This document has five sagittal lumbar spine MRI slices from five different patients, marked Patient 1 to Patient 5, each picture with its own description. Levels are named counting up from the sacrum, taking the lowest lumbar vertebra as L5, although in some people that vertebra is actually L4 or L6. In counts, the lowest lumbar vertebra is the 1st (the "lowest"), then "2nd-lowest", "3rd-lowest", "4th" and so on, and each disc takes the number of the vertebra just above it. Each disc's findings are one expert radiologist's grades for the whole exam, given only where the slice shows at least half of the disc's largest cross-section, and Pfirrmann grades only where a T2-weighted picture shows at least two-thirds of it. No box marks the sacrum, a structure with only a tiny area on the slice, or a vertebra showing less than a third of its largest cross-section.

Patient 1 of 5:
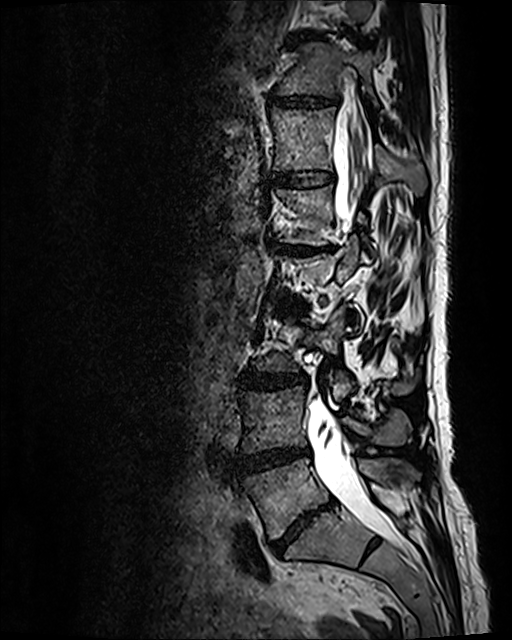

Sex F; Slice spacing 0.9 mm; MRI lumbar spine (T2 SPACE (3D)), sagittal plane
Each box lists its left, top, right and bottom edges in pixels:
L2/L3 at left=283, top=301, right=303, bottom=310; T11 at left=277, top=43, right=381, bottom=105; L5/S1 at left=271, top=503, right=331, bottom=552; L4/L5 at left=235, top=450, right=309, bottom=474; L4 vertebra at left=239, top=387, right=409, bottom=453; intervertebral disc T12/L1 at left=272, top=170, right=333, bottom=189; spinal canal at left=308, top=69, right=407, bottom=554; T11/T12 at left=268, top=93, right=339, bottom=111; L5 at left=242, top=459, right=415, bottom=539; L1 vertebra at left=276, top=185, right=372, bottom=255; T12 at left=271, top=108, right=426, bottom=195; L3/L4 at left=239, top=370, right=305, bottom=388; intervertebral disc L1/L2 at left=275, top=243, right=333, bottom=253; L3 at left=254, top=310, right=418, bottom=398.

Per-level radiological findings:
  T12/L1: Pfirrmann grade 2
  L3/L4: disc bulging
  L4/L5: Pfirrmann grade 4, Modic type II, disc bulging, disc narrowing
  T11/T12: Pfirrmann grade 3, disc bulging, disc narrowing
  L1/L2: upper-endplate change, disc narrowing, Modic type II, disc bulging, lower-endplate change
  L5/S1: Pfirrmann grade 5, Modic type II, upper-endplate change, disc bulging, lower-endplate change, disc narrowing

Patient 2 of 5:
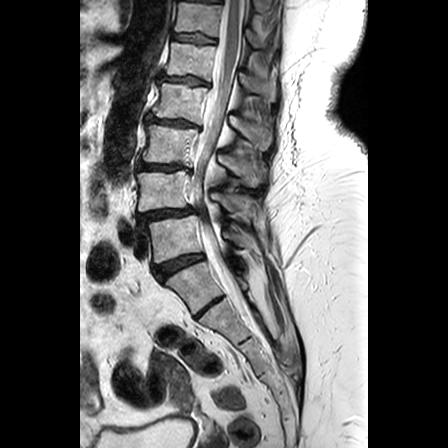 Lumbar spine MR, T2-weighted, sagittal. Patient sex: F. 448x448 px.
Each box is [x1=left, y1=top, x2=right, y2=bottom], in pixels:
Annotations:
* L2 = [x1=152, y1=81, x2=272, y2=149]
* T12 = [x1=175, y1=2, x2=262, y2=47]
* L4/L5 = [x1=137, y1=207, x2=193, y2=222]
* spinal canal = [x1=189, y1=0, x2=245, y2=308]
* L4 = [x1=136, y1=170, x2=260, y2=221]
* disc L3/L4 = [x1=138, y1=162, x2=192, y2=172]
* T12/L1 = [x1=172, y1=33, x2=217, y2=43]
* L3 = [x1=142, y1=124, x2=266, y2=186]
* disc L5/S1 = [x1=152, y1=253, x2=204, y2=278]
* L1 vertebra = [x1=165, y1=41, x2=276, y2=101]
* L2/L3 = [x1=146, y1=114, x2=202, y2=129]
* L5 = [x1=147, y1=214, x2=251, y2=263]
* disc L1/L2 = [x1=159, y1=74, x2=210, y2=87]

Expert MSK radiologist gradings (per disc):
  T12/L1: Pfirrmann grade 3, Modic type II, lower-endplate change, upper-endplate change
  L4/L5: Pfirrmann grade 4, spondylolisthesis, disc bulging, disc narrowing
  L1/L2: Pfirrmann grade 3, upper-endplate change, disc bulging, lower-endplate change, Modic type II, disc narrowing
  L3/L4: Pfirrmann grade 3, disc narrowing, Modic type II, disc bulging, upper-endplate change, lower-endplate change
  L5/S1: Pfirrmann grade 4, disc bulging
  L2/L3: Pfirrmann grade 3, upper-endplate change, disc bulging, Modic type II, disc narrowing, lower-endplate change

Patient 3 of 5:
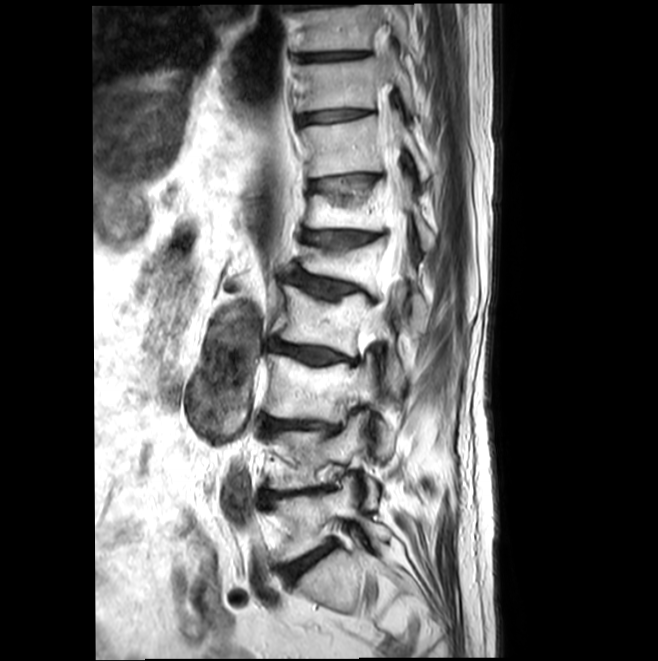 Lumbar spine MR, T2-weighted, sagittal; Slice 8/22; Sex M
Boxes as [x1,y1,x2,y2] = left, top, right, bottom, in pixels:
T11 vertebra at [301,116,430,180], T12 at [306,177,435,251], L5/S1 at [279,543,334,583], L4 vertebra at [267,412,377,507], T11/T12 at [309,175,376,196], L1 at [301,237,427,317], L2 vertebra at [279,286,403,395], thecal sac / spinal canal at [371,83,405,330], intervertebral disc L4/L5 at [260,490,316,502], intervertebral disc T12/L1 at [302,231,376,246], L2/L3 at [268,338,355,364], L3/L4 at [263,418,333,432], L3 at [265,353,390,454], T9/T10 at [297,52,365,62], L5 at [272,476,390,561], T10 vertebra at [298,57,415,115], T9 at [295,5,409,52], intervertebral disc L1/L2 at [287,272,381,304], intervertebral disc T10/T11 at [297,110,367,123].

Expert MSK radiologist gradings (per disc):
  T12/L1: Pfirrmann grade 3, Modic type II, disc narrowing, upper-endplate change
  T10/T11: Pfirrmann grade 1
  L2/L3: Pfirrmann grade 3, Modic type II, disc bulging, upper-endplate change, disc narrowing
  T11/T12: Pfirrmann grade 2, Modic type II, upper-endplate change
  L3/L4: upper-endplate change, disc bulging, lower-endplate change, Modic type II, disc narrowing
  L1/L2: Pfirrmann grade 3, Modic type II, upper-endplate change, disc bulging, disc narrowing, spondylolisthesis
  L5/S1: disc narrowing, Modic type II, disc bulging
  T9/T10: Pfirrmann grade 1

Patient 4 of 5:
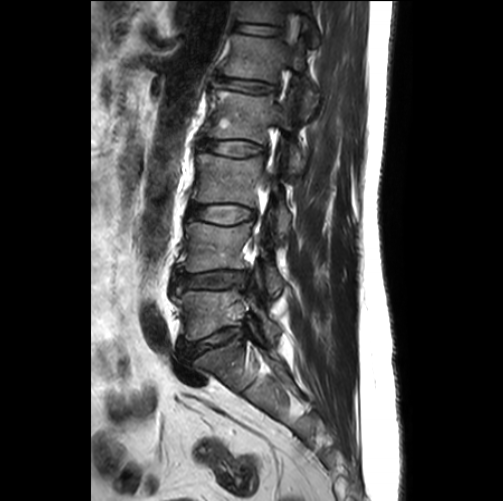 Lumbar spine MR, T2-weighted, sagittal

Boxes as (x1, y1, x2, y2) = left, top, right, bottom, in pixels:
disc L4/L5 at (171, 270, 247, 293) | L4 vertebra at (177, 222, 282, 296) | T12/L1 at (234, 22, 281, 35) | L3 at (192, 150, 290, 232) | disc L2/L3 at (199, 139, 265, 156) | disc L3/L4 at (188, 204, 254, 223) | T12 vertebra at (238, 1, 318, 45) | L5 vertebra at (172, 270, 280, 340) | L2 at (205, 90, 303, 174) | L1 at (222, 34, 321, 120) | L5/S1 at (176, 328, 245, 363) | disc L1/L2 at (218, 77, 274, 93)

Per-level radiological findings:
• L2/L3: Pfirrmann grade 2
• L4/L5: Pfirrmann grade 3, disc bulging, Modic type II, upper-endplate change, disc narrowing, lower-endplate change
• L1/L2: Pfirrmann grade 2
• L5/S1: Pfirrmann grade 3, disc narrowing, disc bulging
• L3/L4: Pfirrmann grade 2
• T12/L1: Pfirrmann grade 1

Patient 5 of 5:
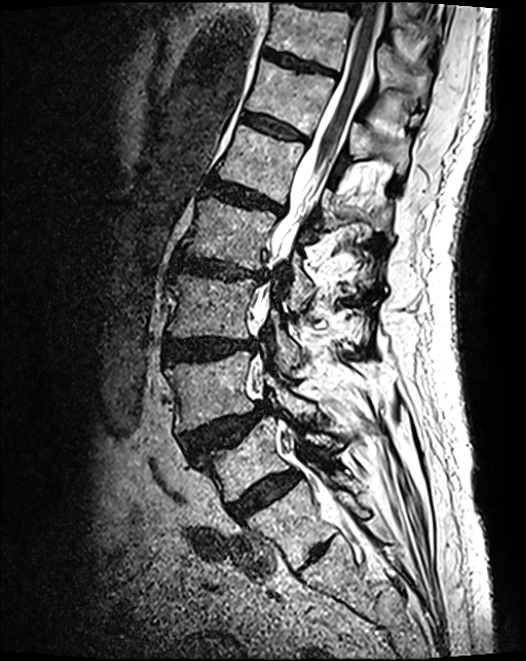

Sagittal T2 SPACE (3D) lumbar spine MRI

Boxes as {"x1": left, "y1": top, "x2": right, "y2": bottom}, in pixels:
Structures:
• 7th disc at {"x1": 263, "y1": 50, "x2": 335, "y2": 75}
• 3rd-lowest disc at {"x1": 164, "y1": 339, "x2": 256, "y2": 365}
• 6th vertebra at {"x1": 247, "y1": 61, "x2": 408, "y2": 173}
• 2nd-lowest disc at {"x1": 183, "y1": 404, "x2": 269, "y2": 457}
• 2nd-lowest vertebra at {"x1": 168, "y1": 354, "x2": 314, "y2": 430}
• 5th disc at {"x1": 205, "y1": 179, "x2": 283, "y2": 213}
• 4th vertebra at {"x1": 182, "y1": 197, "x2": 377, "y2": 310}
• 5th vertebra at {"x1": 217, "y1": 124, "x2": 390, "y2": 231}
• 3rd-lowest vertebra at {"x1": 168, "y1": 275, "x2": 302, "y2": 376}
• lowest disc at {"x1": 228, "y1": 472, "x2": 298, "y2": 521}
• 4th disc at {"x1": 171, "y1": 253, "x2": 268, "y2": 283}
• 6th disc at {"x1": 244, "y1": 114, "x2": 305, "y2": 141}
• 7th vertebra at {"x1": 267, "y1": 3, "x2": 429, "y2": 99}
• spinal canal at {"x1": 253, "y1": 0, "x2": 381, "y2": 524}
• lowest vertebra at {"x1": 201, "y1": 417, "x2": 337, "y2": 501}

Per-level radiological findings:
- 6th disc: Pfirrmann grade 3
- 3rd-lowest disc: Pfirrmann grade 4, disc bulging
- lowest disc: Pfirrmann grade 4
- 2nd-lowest disc: Pfirrmann grade 4, spondylolisthesis, disc herniation, upper-endplate change
- 7th disc: Pfirrmann grade 3, lower-endplate change
- 4th disc: Pfirrmann grade 4, disc bulging, upper-endplate change, lower-endplate change, disc narrowing
- 5th disc: Pfirrmann grade 4, upper-endplate change, disc bulging, lower-endplate change